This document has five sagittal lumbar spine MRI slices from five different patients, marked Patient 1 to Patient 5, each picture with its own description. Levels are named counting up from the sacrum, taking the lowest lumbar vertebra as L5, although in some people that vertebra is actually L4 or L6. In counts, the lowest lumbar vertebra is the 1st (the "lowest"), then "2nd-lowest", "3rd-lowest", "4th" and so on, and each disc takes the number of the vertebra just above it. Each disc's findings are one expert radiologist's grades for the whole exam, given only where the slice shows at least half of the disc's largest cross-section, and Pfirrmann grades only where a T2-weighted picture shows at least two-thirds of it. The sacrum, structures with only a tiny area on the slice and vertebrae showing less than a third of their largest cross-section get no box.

Patient 1 of 5:
384x384 px; Lumbar spine MR, T1-weighted, sagittal; Sagittal slice index 8; Sex F
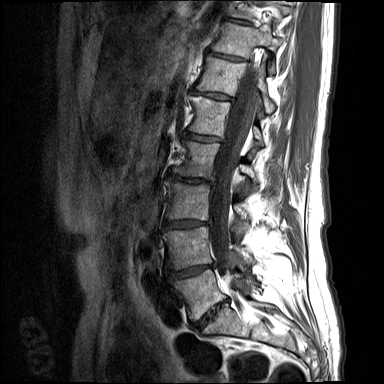 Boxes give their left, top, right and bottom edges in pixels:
T11 at left=212, top=23, right=280, bottom=73; T10/T11 at left=225, top=18, right=251, bottom=25; L4 vertebra at left=163, top=226, right=253, bottom=269; L1 vertebra at left=189, top=96, right=263, bottom=145; L3/L4 at left=165, top=220, right=209, bottom=227; L5 at left=173, top=269, right=253, bottom=320; L2 vertebra at left=173, top=139, right=259, bottom=183; L5/S1 at left=194, top=301, right=227, bottom=329; thecal sac / spinal canal at left=210, top=65, right=258, bottom=288; T12 at left=196, top=55, right=274, bottom=112; L1/L2 at left=184, top=132, right=220, bottom=141; L3 at left=166, top=181, right=249, bottom=220; L2/L3 at left=169, top=173, right=212, bottom=183; disc T11/T12 at left=207, top=50, right=244, bottom=61; disc L4/L5 at left=169, top=264, right=214, bottom=279; disc T12/L1 at left=192, top=90, right=233, bottom=99.

Expert MSK radiologist gradings (per disc):
  L2/L3: disc narrowing, disc bulging, upper-endplate change, lower-endplate change
  T12/L1: disc narrowing, lower-endplate change, upper-endplate change
  L4/L5: disc bulging, lower-endplate change, disc narrowing, upper-endplate change
  T11/T12: upper-endplate change, lower-endplate change
  L5/S1: disc bulging, disc narrowing, upper-endplate change, lower-endplate change
  L1/L2: lower-endplate change, upper-endplate change, disc narrowing
  L3/L4: lower-endplate change, upper-endplate change, disc narrowing, disc bulging
  T10/T11: no spondylolisthesis, narrowing, bulging, herniation, Modic or endplate change recorded

Patient 2 of 5:
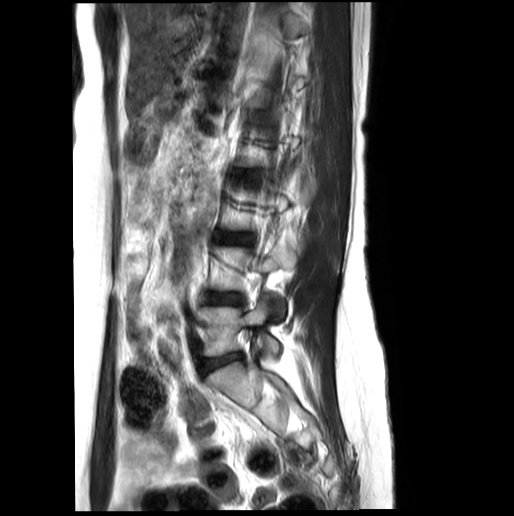 Sagittal slice index 15 | Patient sex: F | Lumbar spine MR, T2-weighted, sagittal | Field of view 310x311 mm

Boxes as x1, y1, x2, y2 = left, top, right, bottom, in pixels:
{"lowest disc": "198, 353, 240, 374", "3rd-lowest disc": "218, 233, 249, 243", "2nd-lowest disc": "203, 292, 243, 305", "lowest vertebra": "200, 296, 281, 356"}

Radiological gradings:
• lowest disc: disc bulging, disc narrowing
• 2nd-lowest disc: disc bulging, disc narrowing

Patient 3 of 5:
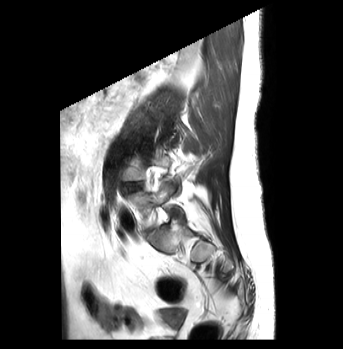 T2-weighted sagittal MRI of the lumbar spine

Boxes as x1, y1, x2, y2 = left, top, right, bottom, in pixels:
Disc L4/L5 (2nd-lowest disc) at 123, 182, 141, 191.
L5 (lowest vertebra) at 127, 183, 182, 228.

Patient 4 of 5:
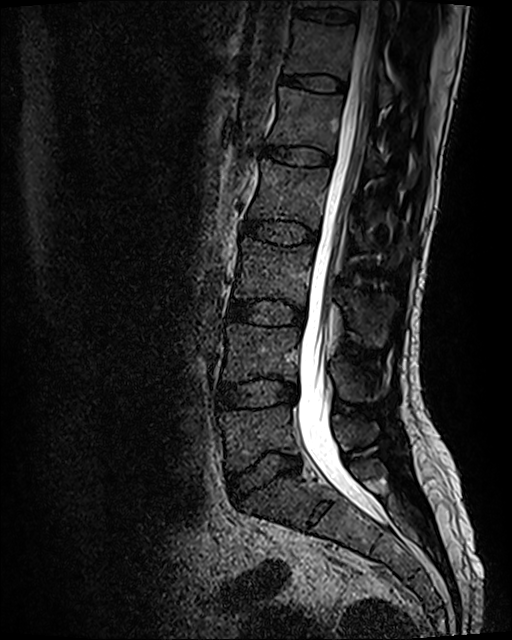
Image 512x640. Slice 55 of 120. Lumbar spine MR, T2 SPACE (3D), sagittal. Patient sex: M.
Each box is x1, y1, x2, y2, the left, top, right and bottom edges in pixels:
Spinal canal — 299, 1, 380, 520.
T11 — 297, 0, 395, 28.
L3 vertebra — 234, 237, 391, 344.
L4 vertebra — 223, 324, 364, 400.
L3/L4 — 229, 299, 305, 325.
L2 vertebra — 250, 159, 404, 266.
Intervertebral disc L2/L3 — 242, 219, 316, 245.
L1 — 268, 87, 414, 179.
T12/L1 — 282, 75, 345, 90.
T12 vertebra — 285, 19, 391, 104.
L1/L2 — 262, 145, 332, 165.
L4/L5 — 219, 377, 297, 410.
T11/T12 — 294, 7, 356, 23.
Intervertebral disc L5/S1 — 227, 451, 300, 500.
L5 — 220, 405, 377, 471.

Radiological gradings:
- L4/L5: Pfirrmann grade 2, disc bulging
- T12/L1: Pfirrmann grade 2
- L3/L4: Pfirrmann grade 2, disc bulging
- T11/T12: Pfirrmann grade 2
- L1/L2: Pfirrmann grade 2
- L5/S1: Pfirrmann grade 2, disc bulging
- L2/L3: Pfirrmann grade 2

Patient 5 of 5:
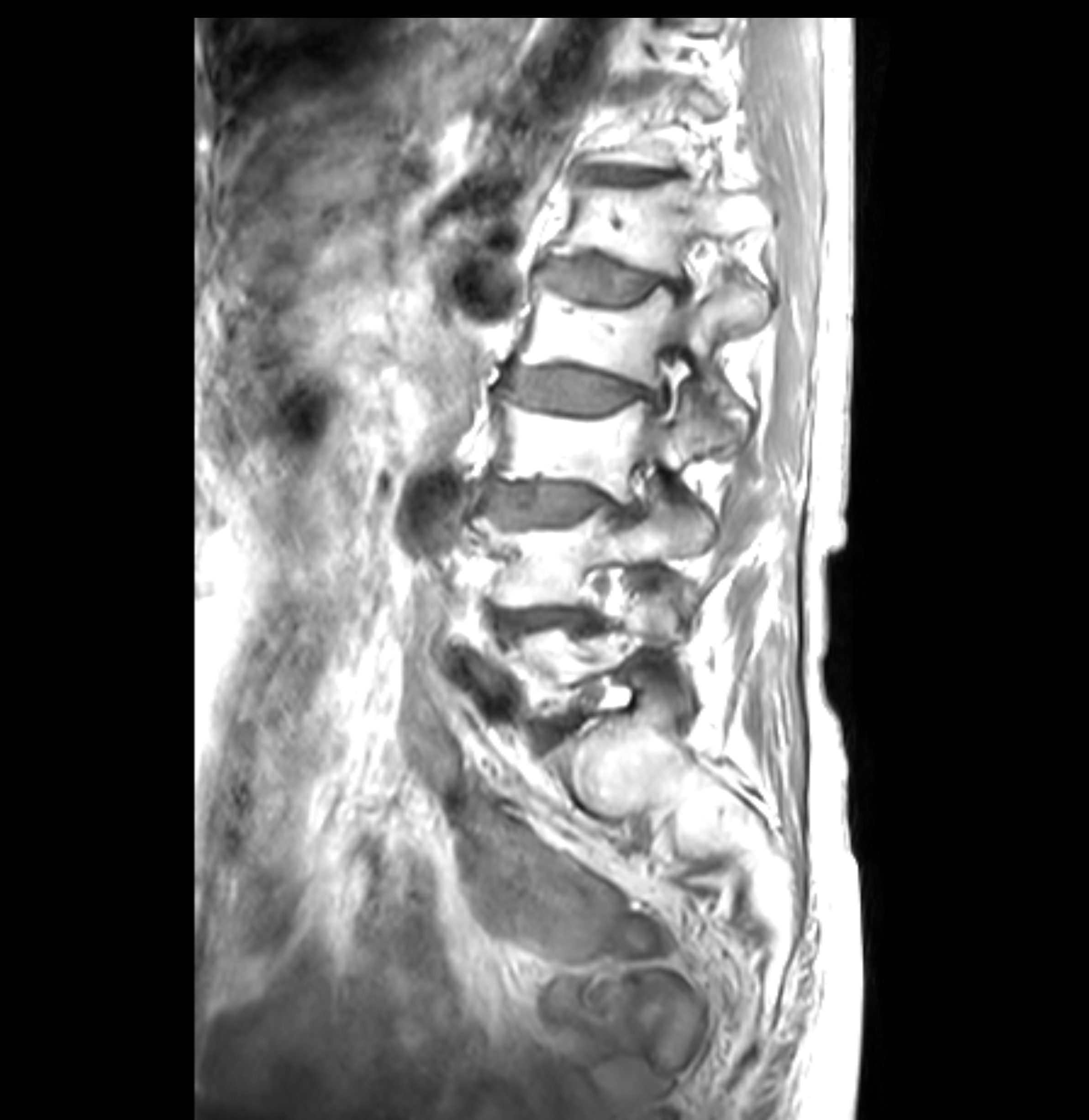
Sex F. Sagittal T1-weighted lumbar spine MRI.
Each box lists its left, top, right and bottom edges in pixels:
L3 — left=499, top=389, right=719, bottom=501.
T12/L1 — left=591, top=169, right=661, bottom=183.
L1 — left=552, top=179, right=765, bottom=276.
L3/L4 — left=484, top=480, right=639, bottom=528.
L4 vertebra — left=477, top=497, right=714, bottom=608.
L2 — left=518, top=275, right=768, bottom=447.
Intervertebral disc L4/L5 — left=491, top=611, right=585, bottom=636.
L5/S1 — left=535, top=714, right=576, bottom=742.
L2/L3 — left=510, top=370, right=668, bottom=410.
Intervertebral disc L1/L2 — left=547, top=260, right=690, bottom=302.
L5 vertebra — left=510, top=592, right=675, bottom=718.
Thecal sac / spinal canal — left=652, top=422, right=663, bottom=432.

Per-level radiological findings:
- L2/L3: lower-endplate change, upper-endplate change, Modic type II, disc bulging, disc narrowing
- L3/L4: disc bulging, lower-endplate change, disc narrowing, upper-endplate change, Modic type II
- L1/L2: Modic type II, upper-endplate change, lower-endplate change, disc bulging